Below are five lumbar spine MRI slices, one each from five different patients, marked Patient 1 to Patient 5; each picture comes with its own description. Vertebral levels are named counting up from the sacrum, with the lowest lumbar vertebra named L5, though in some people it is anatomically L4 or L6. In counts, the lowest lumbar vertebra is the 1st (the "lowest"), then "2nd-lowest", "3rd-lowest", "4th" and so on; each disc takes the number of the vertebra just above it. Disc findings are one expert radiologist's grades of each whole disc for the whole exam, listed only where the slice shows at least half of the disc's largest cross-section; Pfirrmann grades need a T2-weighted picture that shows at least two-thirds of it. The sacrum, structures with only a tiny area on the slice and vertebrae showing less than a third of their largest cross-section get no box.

Patient 1 of 5:
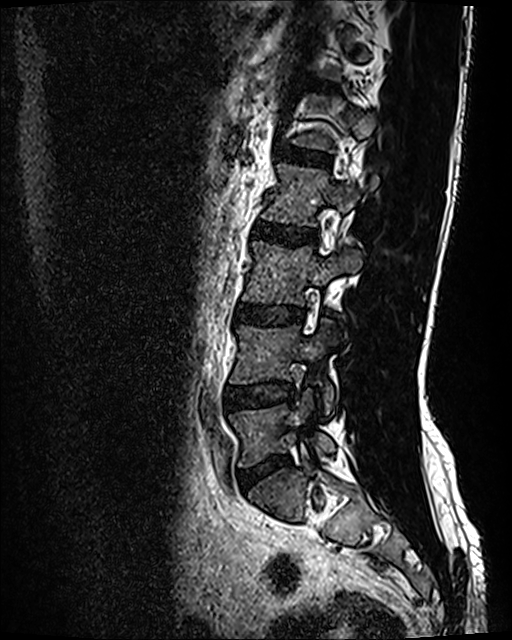 Lumbar spine MR, T2 SPACE (3D), sagittal. Sex M. Slice 38 of 120.

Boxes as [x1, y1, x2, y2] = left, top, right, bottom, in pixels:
L3/L4 at [235, 304, 305, 325] | L4 vertebra at [229, 322, 334, 414] | L3 vertebra at [242, 240, 363, 304] | intervertebral disc T12/L1 at [315, 82, 331, 86] | L2 vertebra at [261, 163, 379, 227] | intervertebral disc L4/L5 at [226, 379, 293, 410] | intervertebral disc L5/S1 at [240, 456, 289, 489] | L2/L3 at [255, 222, 317, 244] | L1/L2 at [281, 146, 330, 165] | L5 at [229, 389, 334, 467]

Radiological gradings:
• L3/L4: Pfirrmann grade 2, disc bulging
• L4/L5: Pfirrmann grade 2, disc bulging
• L2/L3, L1/L2: no Modic or endplate change, herniation, narrowing, bulging or spondylolisthesis recorded

Patient 2 of 5:
Sagittal slice index 11; Lumbar spine MR, T1-weighted, sagittal

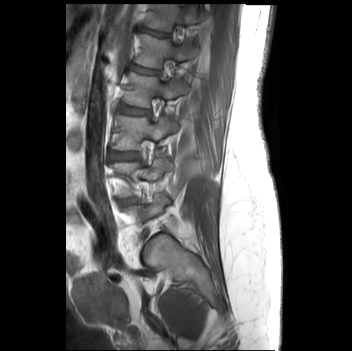

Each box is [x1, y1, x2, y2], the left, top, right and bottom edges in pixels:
Disc L1/L2 = [131, 64, 158, 74].
Disc T12/L1 = [143, 28, 169, 36].
L4 = [114, 158, 171, 194].
L3 vertebra = [114, 115, 176, 149].
Disc L3/L4 = [109, 150, 137, 160].
L1 = [134, 34, 197, 67].
T12 = [145, 4, 202, 31].
L2 vertebra = [123, 72, 188, 106].
Disc L2/L3 = [118, 104, 148, 114].

Expert MSK radiologist gradings (per disc):
  L2/L3, L3/L4, T12/L1, L1/L2: no Modic or endplate change, herniation, narrowing, bulging or spondylolisthesis recorded

Patient 3 of 5:
Lumbar spine MR, T2 SPACE (3D), sagittal | Image 512x640
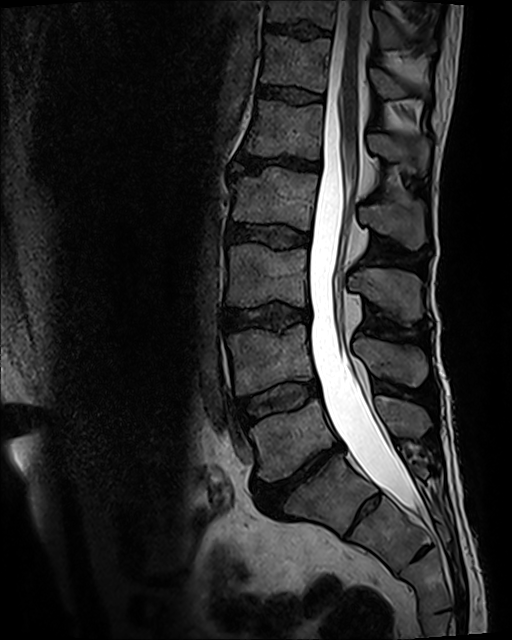 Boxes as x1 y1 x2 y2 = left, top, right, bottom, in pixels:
2nd-lowest vertebra at 228 324 426 395, lowest vertebra at 250 396 430 481, lowest disc at 255 442 343 510, 5th disc at 231 153 319 176, 3rd-lowest vertebra at 226 244 423 322, 4th disc at 228 223 310 248, 4th vertebra at 231 167 425 249, 5th vertebra at 244 100 428 173, 3rd-lowest disc at 224 307 310 331, 7th disc at 267 23 329 38, thecal sac / spinal canal at 308 0 420 514, 7th vertebra at 267 0 434 49, 6th vertebra at 260 35 427 98, 6th disc at 258 83 322 103, 2nd-lowest disc at 240 381 318 425.

Expert MSK radiologist gradings (per disc):
  4th disc: Pfirrmann grade 3
  3rd-lowest disc: Pfirrmann grade 3, upper-endplate change, lower-endplate change, disc bulging
  7th disc: Pfirrmann grade 3, upper-endplate change, lower-endplate change
  2nd-lowest disc: Pfirrmann grade 3, Modic type II
  lowest disc: Pfirrmann grade 5, disc narrowing, lower-endplate change, upper-endplate change, Modic type II, disc bulging
  5th disc: Pfirrmann grade 5, Modic type II, upper-endplate change, lower-endplate change, disc bulging, disc narrowing
  6th disc: Pfirrmann grade 3

Patient 4 of 5:
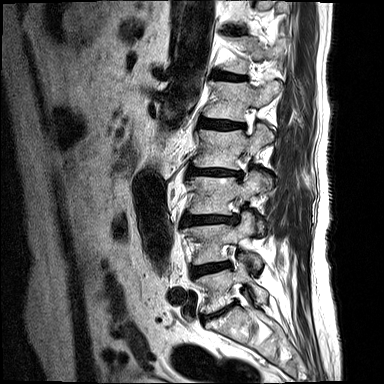
T2-weighted sagittal MRI of the lumbar spine | Sex M
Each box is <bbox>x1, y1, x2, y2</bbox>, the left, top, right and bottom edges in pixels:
* 6th disc: <bbox>212, 72, 246, 80</bbox>
* 4th vertebra: <bbox>193, 124, 275, 187</bbox>
* 3rd-lowest disc: <bbox>181, 214, 237, 226</bbox>
* lowest vertebra: <bbox>193, 259, 267, 314</bbox>
* 2nd-lowest disc: <bbox>190, 261, 231, 276</bbox>
* 4th disc: <bbox>187, 167, 242, 178</bbox>
* lowest disc: <bbox>201, 304, 234, 322</bbox>
* 5th vertebra: <bbox>204, 80, 282, 121</bbox>
* 2nd-lowest vertebra: <bbox>182, 212, 262, 270</bbox>
* 5th disc: <bbox>199, 118, 245, 129</bbox>
* 3rd-lowest vertebra: <bbox>186, 171, 263, 233</bbox>
* 6th vertebra: <bbox>222, 36, 286, 73</bbox>

Radiological gradings:
• 2nd-lowest disc: disc narrowing, Modic type II, disc bulging, lower-endplate change
• 4th disc: Pfirrmann grade 4, disc narrowing, disc herniation, lower-endplate change, Modic type II
• 6th disc: Pfirrmann grade 4, Modic type II, disc narrowing
• 3rd-lowest disc: Pfirrmann grade 4, Modic type II, upper-endplate change, lower-endplate change, disc herniation, disc narrowing
• 5th disc: Pfirrmann grade 4, disc narrowing, Modic type II, lower-endplate change, disc bulging

Patient 5 of 5:
Sex F, Sagittal T1-weighted lumbar spine MRI

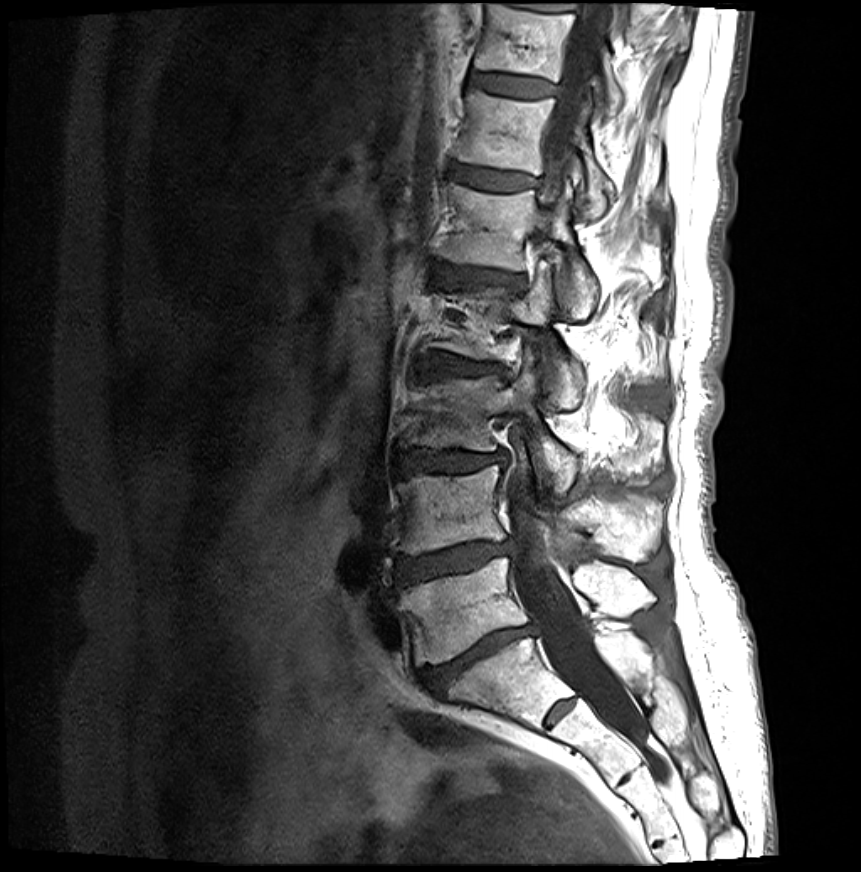
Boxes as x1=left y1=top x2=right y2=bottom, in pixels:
{"L1 vertebra": "x1=442 y1=185 x2=598 y2=320", "spinal canal": "x1=508 y1=4 x2=636 y2=734", "IVD L2/L3": "x1=422 y1=357 x2=500 y2=375", "IVD L3/L4": "x1=397 y1=450 x2=503 y2=475", "L3": "x1=405 y1=350 x2=660 y2=494", "T12/L1": "x1=452 y1=166 x2=534 y2=191", "L5": "x1=400 y1=557 x2=650 y2=665", "T11 vertebra": "x1=474 y1=6 x2=623 y2=115", "L1/L2": "x1=434 y1=266 x2=519 y2=287", "IVD L5/S1": "x1=420 y1=628 x2=530 y2=694", "L4": "x1=397 y1=449 x2=660 y2=561", "T12 vertebra": "x1=457 y1=90 x2=668 y2=219", "IVD L4/L5": "x1=398 y1=541 x2=510 y2=585", "IVD T11/T12": "x1=471 y1=73 x2=552 y2=98", "L2 vertebra": "x1=434 y1=276 x2=582 y2=408"}

Per-level radiological findings:
- T11/T12: upper-endplate change, Modic type II, lower-endplate change
- L1/L2: upper-endplate change, Modic type II, lower-endplate change, disc narrowing, disc bulging
- L3/L4: disc bulging, lower-endplate change, Modic type II, upper-endplate change, disc narrowing
- T12/L1: Modic type II, lower-endplate change, upper-endplate change
- L5/S1: lower-endplate change, disc narrowing, Modic type II, disc bulging, upper-endplate change
- L4/L5: disc bulging, disc herniation, lower-endplate change, upper-endplate change, disc narrowing, Modic type II